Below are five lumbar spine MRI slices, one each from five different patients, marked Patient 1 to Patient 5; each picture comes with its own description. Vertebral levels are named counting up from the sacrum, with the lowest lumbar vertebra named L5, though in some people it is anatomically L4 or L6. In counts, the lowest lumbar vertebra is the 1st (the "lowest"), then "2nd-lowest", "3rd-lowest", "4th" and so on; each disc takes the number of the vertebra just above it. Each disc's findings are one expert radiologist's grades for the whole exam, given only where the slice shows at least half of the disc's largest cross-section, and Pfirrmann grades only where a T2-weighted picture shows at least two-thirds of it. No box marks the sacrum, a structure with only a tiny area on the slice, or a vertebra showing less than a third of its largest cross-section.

Patient 1 of 5:
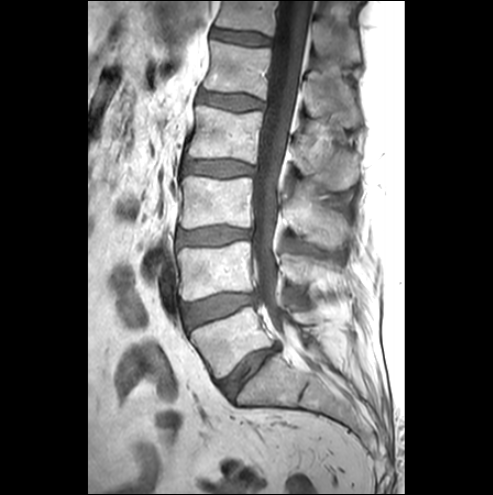 Slice 14 of 25, MRI lumbar spine (T1-weighted), sagittal plane, Field of view 280x281 mm, slice spacing 3.3 mm, Patient sex: M
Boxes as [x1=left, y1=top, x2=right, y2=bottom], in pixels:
T12/L1 (6th disc) at [x1=212, y1=28, x2=271, y2=44], L4 (2nd-lowest vertebra) at [x1=177, y1=241, x2=326, y2=300], disc L5/S1 (lowest disc) at [x1=218, y1=346, x2=277, y2=397], disc L2/L3 (4th disc) at [x1=184, y1=160, x2=253, y2=176], L1/L2 (5th disc) at [x1=198, y1=90, x2=262, y2=110], L3 (3rd-lowest vertebra) at [x1=179, y1=175, x2=351, y2=248], T12 (6th vertebra) at [x1=216, y1=1, x2=360, y2=62], L5 (lowest vertebra) at [x1=190, y1=306, x2=316, y2=377], L3/L4 (3rd-lowest disc) at [x1=177, y1=226, x2=250, y2=244], L2 (4th vertebra) at [x1=187, y1=105, x2=358, y2=189], L1 (5th vertebra) at [x1=203, y1=40, x2=360, y2=126], thecal sac / spinal canal at [x1=252, y1=1, x2=309, y2=330], disc L4/L5 (2nd-lowest disc) at [x1=185, y1=293, x2=254, y2=327].

Radiological gradings:
  L3/L4 (3rd-lowest disc): disc bulging
  L4/L5 (2nd-lowest disc): Modic type III, disc bulging
  L5/S1 (lowest disc): disc bulging, disc narrowing
  L1/L2 (5th disc), T12/L1 (6th disc), L2/L3 (4th disc): no herniation, bulging, narrowing, spondylolisthesis, endplate or Modic change recorded

Patient 2 of 5:
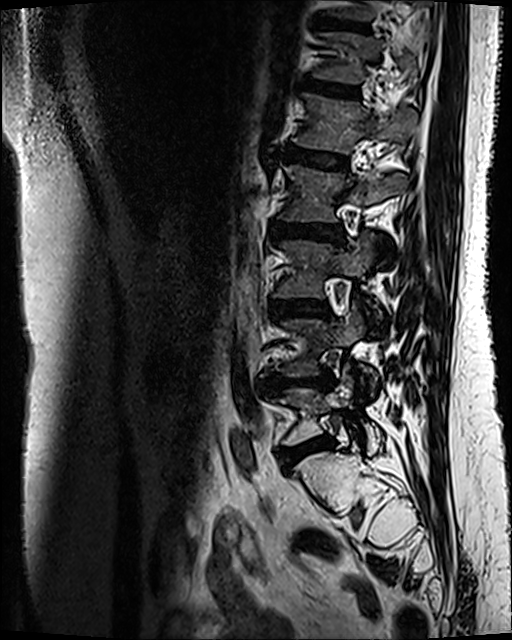

Sagittal T2 SPACE (3D) lumbar spine MRI | Patient sex: F | Slice 87/120 | Image 512x640

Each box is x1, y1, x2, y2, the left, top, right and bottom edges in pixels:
5th vertebra at 293, 94, 415, 153; lowest disc at 281, 435, 333, 468; 3rd-lowest disc at 271, 301, 329, 317; 4th vertebra at 279, 166, 406, 221; 4th disc at 271, 223, 344, 240; 5th disc at 282, 146, 347, 169; 6th disc at 306, 82, 360, 98; lowest vertebra at 272, 376, 381, 447; 3rd-lowest vertebra at 274, 233, 379, 317; 2nd-lowest disc at 259, 374, 331, 392; 2nd-lowest vertebra at 283, 304, 375, 394; 6th vertebra at 314, 33, 422, 83; 7th disc at 336, 23, 364, 29.

Per-level radiological findings:
  5th disc: Pfirrmann grade 3, Modic type II
  6th disc: Pfirrmann grade 3, Modic type II
  4th disc: Pfirrmann grade 3, Modic type II, disc bulging
  3rd-lowest disc: Pfirrmann grade 3, Modic type II, disc bulging

Patient 3 of 5:
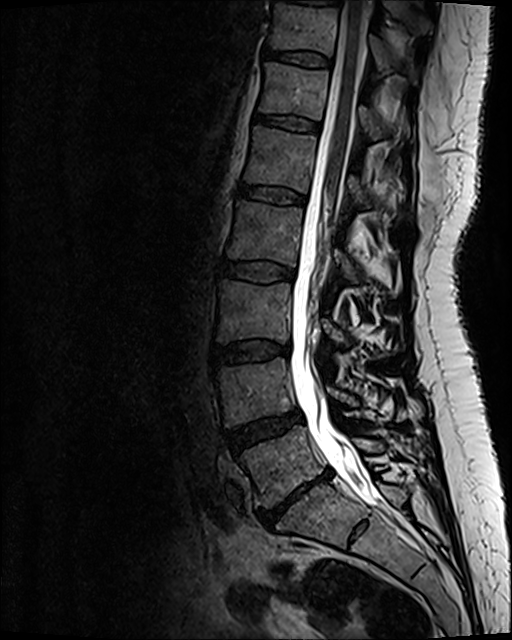
Slice 57 of 120; T2 SPACE (3D) sagittal MRI of the lumbar spine; Patient sex: F
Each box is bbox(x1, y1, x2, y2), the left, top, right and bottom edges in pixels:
Annotations:
• IVD L1/L2: bbox(238, 184, 305, 204)
• L2/L3: bbox(221, 260, 294, 281)
• L2: bbox(227, 202, 358, 281)
• L4 vertebra: bbox(217, 357, 356, 425)
• IVD L4/L5: bbox(227, 410, 301, 451)
• L1 vertebra: bbox(245, 127, 368, 207)
• T11/T12: bbox(266, 50, 330, 65)
• T11: bbox(271, 3, 390, 72)
• T12 vertebra: bbox(260, 63, 381, 139)
• thecal sac / spinal canal: bbox(290, 1, 377, 503)
• L5/S1: bbox(257, 470, 330, 526)
• T12/L1: bbox(256, 114, 319, 131)
• IVD L3/L4: bbox(212, 341, 289, 364)
• L3: bbox(217, 281, 346, 346)
• L5 vertebra: bbox(239, 425, 382, 507)

Expert MSK radiologist gradings (per disc):
  T12/L1: Pfirrmann grade 2
  L4/L5: Pfirrmann grade 3, disc bulging
  L3/L4: Pfirrmann grade 2, disc bulging
  T11/T12: Pfirrmann grade 2
  L1/L2: Pfirrmann grade 2
  L2/L3: Pfirrmann grade 2
  L5/S1: Pfirrmann grade 5, Modic type III, lower-endplate change, disc bulging, upper-endplate change, disc narrowing, disc herniation

Patient 4 of 5:
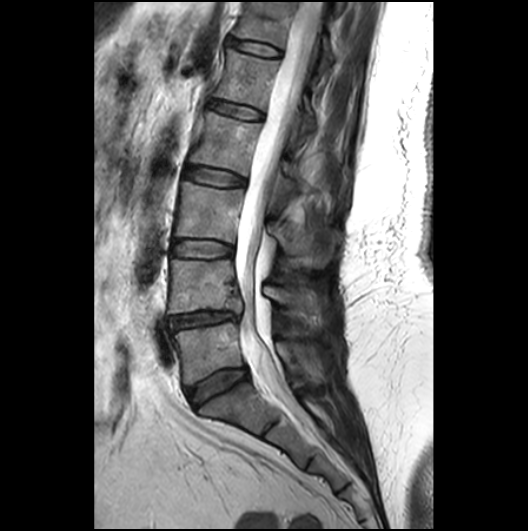 MRI lumbar spine (T2-weighted), sagittal plane

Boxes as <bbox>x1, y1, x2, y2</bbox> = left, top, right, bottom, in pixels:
4th vertebra at <bbox>190, 111, 300, 190</bbox>, lowest disc at <bbox>186, 367, 247, 407</bbox>, lowest vertebra at <bbox>174, 322, 322, 384</bbox>, 6th disc at <bbox>230, 39, 280, 55</bbox>, 6th vertebra at <bbox>236, 1, 332, 71</bbox>, 3rd-lowest disc at <bbox>173, 241, 233, 257</bbox>, 2nd-lowest vertebra at <bbox>168, 259, 326, 317</bbox>, 5th vertebra at <bbox>214, 48, 316, 131</bbox>, 3rd-lowest vertebra at <bbox>175, 181, 332, 267</bbox>, 4th disc at <bbox>184, 166, 244, 185</bbox>, spinal canal at <bbox>234, 2, 322, 413</bbox>, 2nd-lowest disc at <bbox>168, 311, 239, 329</bbox>, 5th disc at <bbox>208, 100, 263, 119</bbox>.

Per-level radiological findings:
  5th disc: Pfirrmann grade 2
  3rd-lowest disc: Pfirrmann grade 2
  4th disc: Pfirrmann grade 2
  2nd-lowest disc: Pfirrmann grade 3, disc herniation, disc narrowing
  lowest disc: Pfirrmann grade 3
  6th disc: Pfirrmann grade 2

Patient 5 of 5:
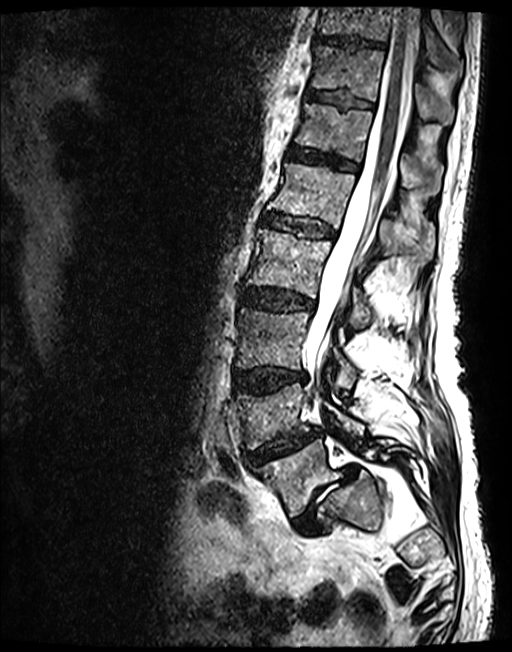 Image 512x652; Sagittal T2 SPACE (3D) lumbar spine MRI; Sagittal slice index 62

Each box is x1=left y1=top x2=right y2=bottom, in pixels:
{"T12 vertebra": "x1=294 y1=103 x2=441 y2=195", "L2 vertebra": "x1=247 y1=230 x2=373 y2=323", "intervertebral disc L5/S1": "x1=293 y1=465 x2=357 y2=533", "L5": "x1=254 y1=439 x2=415 y2=516", "spinal canal": "x1=306 y1=7 x2=418 y2=392", "L3": "x1=236 y1=307 x2=358 y2=387", "intervertebral disc L1/L2": "x1=262 y1=213 x2=333 y2=237", "L2/L3": "x1=241 y1=288 x2=311 y2=309", "T10": "x1=319 y1=7 x2=461 y2=72", "intervertebral disc T11/T12": "x1=308 y1=91 x2=372 y2=108", "intervertebral disc T10/T11": "x1=316 y1=34 x2=385 y2=49", "L4/L5": "x1=245 y1=429 x2=319 y2=464", "intervertebral disc L3/L4": "x1=233 y1=368 x2=305 y2=393", "intervertebral disc T12/L1": "x1=288 y1=146 x2=357 y2=171", "L4": "x1=233 y1=385 x2=364 y2=449", "T11 vertebra": "x1=312 y1=45 x2=454 y2=124", "L1 vertebra": "x1=267 y1=163 x2=434 y2=263"}

Expert MSK radiologist gradings (per disc):
  L5/S1: Pfirrmann grade 5, disc herniation, disc narrowing, Modic type II, spondylolisthesis
  T10/T11: Pfirrmann grade 3
  L3/L4: Pfirrmann grade 3, upper-endplate change, disc bulging, lower-endplate change
  T11/T12: Pfirrmann grade 3
  L2/L3: Pfirrmann grade 3, disc bulging
  L4/L5: upper-endplate change, disc herniation, spondylolisthesis, lower-endplate change, disc narrowing
  T12/L1: Pfirrmann grade 3
  L1/L2: Pfirrmann grade 3